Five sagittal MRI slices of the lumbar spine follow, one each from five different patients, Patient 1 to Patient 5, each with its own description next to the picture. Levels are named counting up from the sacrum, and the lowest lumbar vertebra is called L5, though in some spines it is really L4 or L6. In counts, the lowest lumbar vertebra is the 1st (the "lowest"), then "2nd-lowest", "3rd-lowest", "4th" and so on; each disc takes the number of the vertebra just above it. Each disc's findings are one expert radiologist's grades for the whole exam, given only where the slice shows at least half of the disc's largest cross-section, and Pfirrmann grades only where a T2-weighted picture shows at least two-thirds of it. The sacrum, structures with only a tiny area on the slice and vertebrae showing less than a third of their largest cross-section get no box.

Patient 1 of 5:
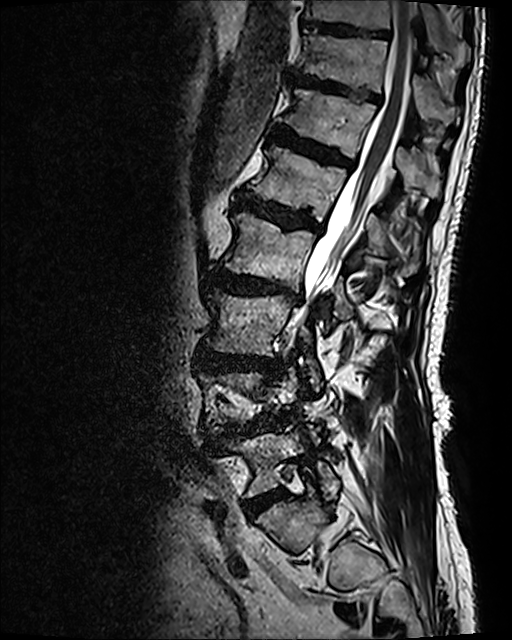
Lumbar spine MR, T2 SPACE (3D), sagittal; Patient sex: M
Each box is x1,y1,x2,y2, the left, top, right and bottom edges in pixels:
Spinal canal: 293,1,416,323.
L4/L5: 226,422,259,435.
IVD T10/T11: 305,22,390,39.
T12/L1: 273,124,352,167.
T10: 302,0,458,54.
IVD T11/T12: 292,70,380,102.
L5: 228,429,339,497.
L1 vertebra: 248,145,419,275.
T12: 282,88,440,196.
L1/L2: 238,194,316,230.
L2: 223,212,352,319.
IVD L2/L3: 211,267,296,297.
L3 vertebra: 205,289,321,390.
IVD L3/L4: 195,349,282,373.
T11: 300,31,457,122.
IVD L5/S1: 243,490,283,518.

Per-level radiological findings:
- L1/L2: Pfirrmann grade 4, disc bulging, upper-endplate change, Modic type II, lower-endplate change
- T10/T11: Pfirrmann grade 3
- T11/T12: Pfirrmann grade 4, upper-endplate change, lower-endplate change, disc bulging
- L2/L3: Pfirrmann grade 4, lower-endplate change, Modic type I, disc bulging, disc narrowing, upper-endplate change
- L3/L4: Pfirrmann grade 4, upper-endplate change, disc bulging, lower-endplate change
- T12/L1: Pfirrmann grade 4, upper-endplate change, Modic type II, lower-endplate change, disc bulging

Patient 2 of 5:
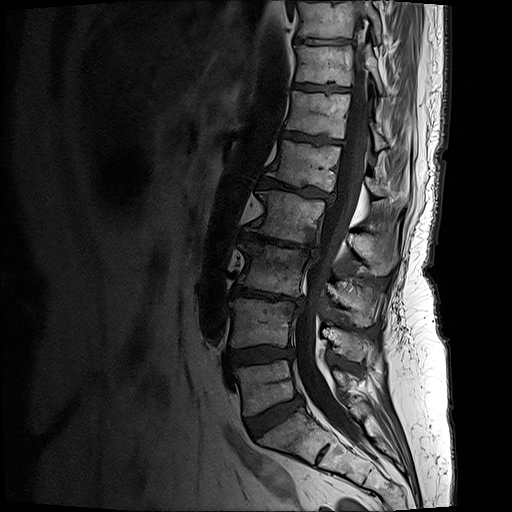 MRI lumbar spine (T1-weighted), sagittal plane, Sagittal slice index 10
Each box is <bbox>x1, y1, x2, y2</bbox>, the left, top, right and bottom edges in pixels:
Segmented structures:
• intervertebral disc T11/T12: <bbox>295, 85, 348, 91</bbox>
• T11 vertebra: <bbox>294, 46, 382, 94</bbox>
• intervertebral disc L3/L4: <bbox>231, 286, 303, 305</bbox>
• T10: <bbox>298, 0, 381, 41</bbox>
• L2: <bbox>252, 190, 394, 275</bbox>
• L1: <bbox>266, 140, 382, 196</bbox>
• L5/S1: <bbox>246, 396, 302, 437</bbox>
• T12/L1: <bbox>282, 131, 341, 143</bbox>
• L2/L3: <bbox>240, 232, 317, 258</bbox>
• L1/L2: <bbox>258, 179, 333, 201</bbox>
• T10/T11: <bbox>295, 39, 348, 45</bbox>
• L3 vertebra: <bbox>238, 243, 373, 326</bbox>
• intervertebral disc L4/L5: <bbox>227, 346, 293, 366</bbox>
• L5 vertebra: <bbox>234, 359, 346, 416</bbox>
• spinal canal: <bbox>295, 0, 369, 445</bbox>
• T12: <bbox>286, 91, 385, 149</bbox>
• L4 vertebra: <bbox>230, 299, 367, 360</bbox>

Per-level radiological findings:
- T11/T12: upper-endplate change, lower-endplate change
- T10/T11: lower-endplate change, upper-endplate change
- L3/L4: Modic type II, upper-endplate change, disc narrowing, lower-endplate change, disc bulging
- L4/L5: lower-endplate change, upper-endplate change, disc bulging
- L5/S1: disc bulging
- T12/L1: upper-endplate change, Modic type II, lower-endplate change
- L2/L3: upper-endplate change, disc narrowing, lower-endplate change, Modic type II, disc bulging
- L1/L2: lower-endplate change, disc bulging, Modic type II, upper-endplate change, disc narrowing

Patient 3 of 5:
T2 SPACE (3D) sagittal MRI of the lumbar spine | Field of view 240x300 mm, slice spacing 0.9 mm

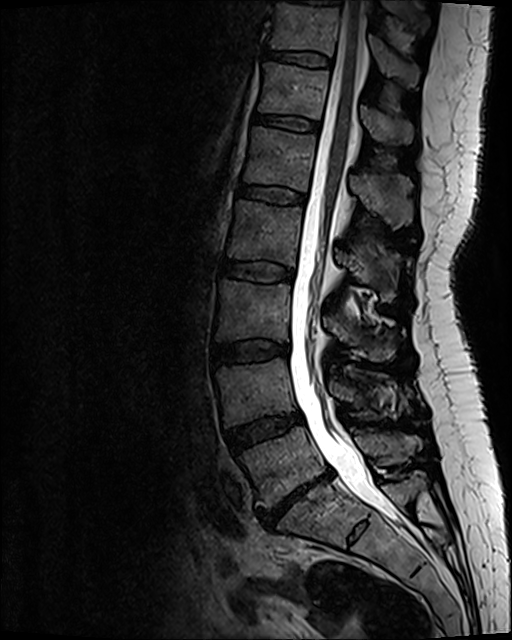

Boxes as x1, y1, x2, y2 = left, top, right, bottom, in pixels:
Thecal sac / spinal canal — 290, 1, 398, 522.
L5/S1 — 256, 470, 331, 526.
L1 — 244, 127, 412, 228.
L5 — 239, 426, 422, 507.
L4 vertebra — 216, 358, 367, 425.
T11 vertebra — 271, 3, 417, 85.
L2 — 227, 201, 399, 301.
L2/L3 — 219, 260, 293, 280.
T11/T12 — 266, 51, 329, 65.
Intervertebral disc T12/L1 — 254, 114, 318, 131.
L3 vertebra — 216, 281, 398, 360.
T12 — 259, 63, 412, 141.
L3/L4 — 212, 340, 288, 364.
L4/L5 — 226, 411, 301, 451.
Intervertebral disc L1/L2 — 238, 184, 305, 204.

Degenerative findings by level:
• T12/L1: Pfirrmann grade 2
• L4/L5: Pfirrmann grade 3, disc bulging
• T11/T12: Pfirrmann grade 2
• L1/L2: Pfirrmann grade 2
• L2/L3: Pfirrmann grade 2
• L3/L4: Pfirrmann grade 2, disc bulging
• L5/S1: Pfirrmann grade 5, upper-endplate change, lower-endplate change, disc narrowing, disc bulging, Modic type III, disc herniation

Patient 4 of 5:
Slice 8/26 | Sex F | MRI lumbar spine (T1-weighted), sagittal plane
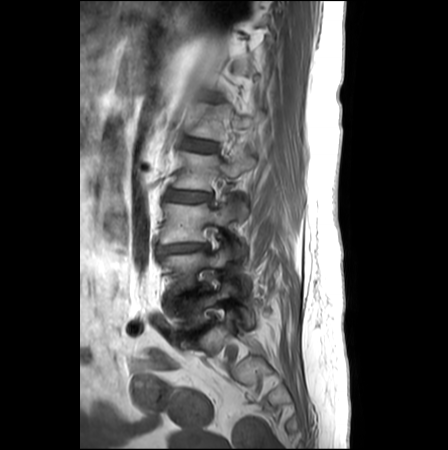
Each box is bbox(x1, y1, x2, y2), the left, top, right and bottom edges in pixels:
L4 (2nd-lowest vertebra) at bbox(163, 246, 232, 292); disc L5/S1 (lowest disc) at bbox(182, 320, 215, 336); L2/L3 (4th disc) at bbox(167, 191, 210, 201); L4/L5 (2nd-lowest disc) at bbox(169, 287, 206, 297); disc L3/L4 (3rd-lowest disc) at bbox(158, 243, 209, 253); L3 (3rd-lowest vertebra) at bbox(162, 195, 235, 242); L2 (4th vertebra) at bbox(174, 148, 255, 220); disc L1/L2 (5th disc) at bbox(185, 140, 216, 151); L5 (lowest vertebra) at bbox(167, 279, 253, 331).

Expert MSK radiologist gradings (per disc):
• L2/L3 (4th disc): disc bulging
• L3/L4 (3rd-lowest disc): lower-endplate change, disc narrowing, upper-endplate change, disc bulging
• L1/L2 (5th disc): no Modic or endplate change, herniation, narrowing, bulging or spondylolisthesis recorded

Patient 5 of 5:
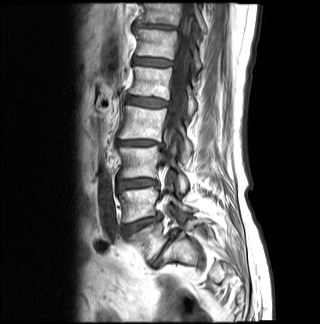 Lumbar spine MR, T1-weighted, sagittal; Image 320x324; Sagittal slice index 6

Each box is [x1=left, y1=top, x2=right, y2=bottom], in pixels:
2nd-lowest disc — [x1=123, y1=216, x2=160, y2=234].
6th disc — [x1=134, y1=57, x2=172, y2=67].
6th vertebra — [x1=134, y1=28, x2=201, y2=71].
3rd-lowest vertebra — [x1=118, y1=146, x2=187, y2=192].
2nd-lowest vertebra — [x1=120, y1=180, x2=192, y2=222].
7th vertebra — [x1=137, y1=3, x2=207, y2=33].
Spinal canal — [x1=168, y1=3, x2=195, y2=133].
4th disc — [x1=117, y1=140, x2=164, y2=148].
4th vertebra — [x1=118, y1=105, x2=192, y2=161].
5th disc — [x1=126, y1=96, x2=168, y2=107].
5th vertebra — [x1=129, y1=66, x2=196, y2=115].
3rd-lowest disc — [x1=118, y1=178, x2=155, y2=188].
Lowest disc — [x1=150, y1=230, x2=179, y2=266].
7th disc — [x1=134, y1=23, x2=175, y2=29].
Lowest vertebra — [x1=129, y1=218, x2=210, y2=258].

Radiological gradings:
• 3rd-lowest disc: disc bulging
• 4th disc: disc narrowing, Modic type II, disc bulging
• 5th disc: lower-endplate change, disc bulging
• lowest disc: disc narrowing, upper-endplate change, Modic type II, lower-endplate change, spondylolisthesis, disc bulging, disc herniation
• 7th disc: disc narrowing, disc bulging
• 2nd-lowest disc: disc narrowing, Modic type II
• 6th disc: no Modic or endplate change, herniation, narrowing, bulging or spondylolisthesis recorded